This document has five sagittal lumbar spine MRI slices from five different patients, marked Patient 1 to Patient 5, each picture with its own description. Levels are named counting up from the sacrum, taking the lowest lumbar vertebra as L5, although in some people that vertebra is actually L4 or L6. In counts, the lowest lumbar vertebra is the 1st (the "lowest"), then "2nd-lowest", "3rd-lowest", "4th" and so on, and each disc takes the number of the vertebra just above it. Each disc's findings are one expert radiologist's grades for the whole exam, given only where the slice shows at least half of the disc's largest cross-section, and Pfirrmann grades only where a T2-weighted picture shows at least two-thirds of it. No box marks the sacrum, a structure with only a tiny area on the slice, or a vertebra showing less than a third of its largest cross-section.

Patient 1 of 5:
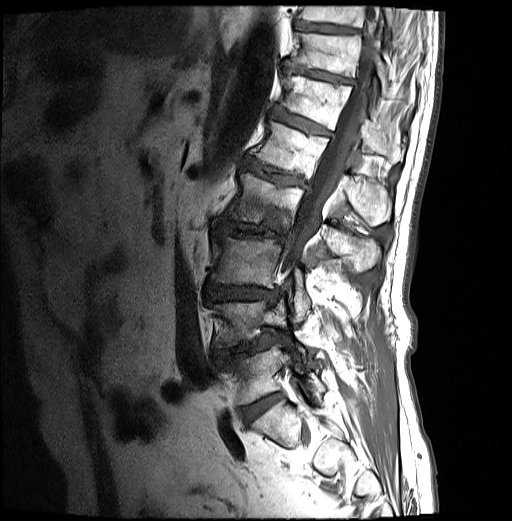 Sagittal T1-weighted lumbar spine MRI. Field of view 300x305 mm, slice spacing 3.2 mm. Slice 12 of 30.
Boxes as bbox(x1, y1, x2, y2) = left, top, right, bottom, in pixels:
Structures:
• T12 vertebra: bbox(281, 72, 404, 162)
• L2/L3: bbox(217, 219, 288, 243)
• L4: bbox(215, 300, 286, 347)
• T10/T11: bbox(295, 21, 358, 33)
• T10: bbox(298, 6, 397, 37)
• IVD L1/L2: bbox(242, 158, 306, 185)
• T11: bbox(290, 33, 390, 97)
• L4/L5: bbox(218, 339, 269, 360)
• L1 vertebra: bbox(249, 121, 391, 225)
• T12/L1: bbox(271, 108, 331, 135)
• L3 vertebra: bbox(210, 231, 310, 323)
• L2 vertebra: bbox(225, 173, 380, 270)
• IVD L5/S1: bbox(243, 393, 281, 421)
• L3/L4: bbox(207, 282, 277, 300)
• IVD T11/T12: bbox(282, 61, 354, 84)
• thecal sac / spinal canal: bbox(283, 6, 378, 270)
• L5 vertebra: bbox(225, 342, 325, 404)

Per-level radiological findings:
• T12/L1: lower-endplate change, disc bulging, Modic type II, upper-endplate change
• L1/L2: lower-endplate change, Modic type II, upper-endplate change, disc bulging
• L3/L4: disc bulging, lower-endplate change, upper-endplate change
• L2/L3: upper-endplate change, disc bulging, disc narrowing, Modic type I, lower-endplate change
• T11/T12: lower-endplate change, disc bulging, upper-endplate change
• T10/T11: no herniation, bulging, narrowing, spondylolisthesis, endplate or Modic change recorded

Patient 2 of 5:
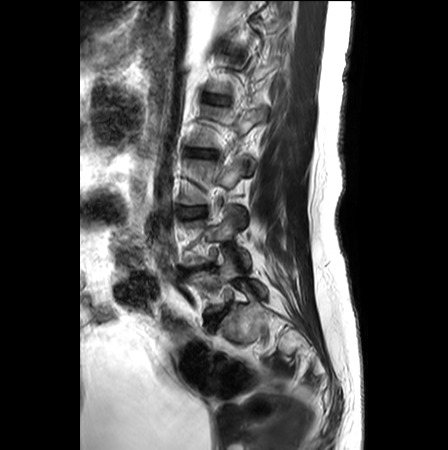 Sagittal T2-weighted lumbar spine MRI. Sagittal slice index 7. Field of view 280x281 mm, slice spacing 3.3 mm.
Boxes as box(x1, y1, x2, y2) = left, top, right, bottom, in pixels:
L5 (lowest vertebra) = box(189, 254, 266, 312).
L1/L2 (5th disc) = box(205, 95, 227, 104).
Intervertebral disc L5/S1 (lowest disc) = box(208, 305, 229, 325).
Intervertebral disc L3/L4 (3rd-lowest disc) = box(181, 207, 204, 217).
L2/L3 (4th disc) = box(189, 149, 214, 156).

Patient 3 of 5:
Slice 11 of 27, Sagittal T1-weighted lumbar spine MRI
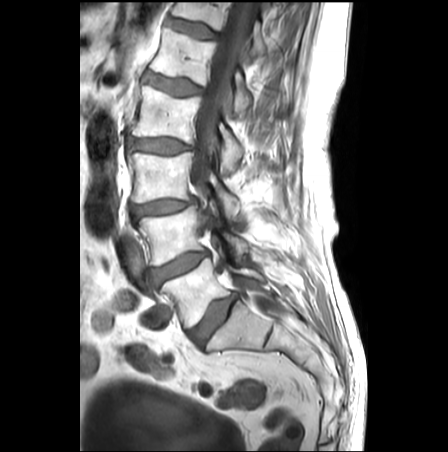

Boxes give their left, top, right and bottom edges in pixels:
Disc T12/L1 at left=166, top=18, right=216, bottom=38; L2 vertebra at left=133, top=86, right=242, bottom=171; L5 at left=163, top=240, right=266, bottom=326; thecal sac / spinal canal at left=189, top=2, right=271, bottom=313; disc L3/L4 at left=132, top=198, right=197, bottom=217; disc L5/S1 at left=191, top=294, right=237, bottom=345; disc L1/L2 at left=143, top=70, right=201, bottom=95; L1 at left=150, top=28, right=250, bottom=110; L4 vertebra at left=136, top=207, right=247, bottom=265; disc L4/L5 at left=153, top=252, right=208, bottom=285; disc L2/L3 at left=127, top=138, right=194, bottom=154; T12 at left=172, top=2, right=266, bottom=56; L3 vertebra at left=128, top=146, right=241, bottom=217.

Degenerative findings by level:
• L5/S1: disc bulging
• L1/L2: upper-endplate change, disc bulging, Modic type II, lower-endplate change
• L3/L4: disc bulging, disc narrowing
• L2/L3: disc bulging
• L4/L5: disc bulging
• T12/L1: no herniation, bulging, narrowing, spondylolisthesis, endplate or Modic change recorded

Patient 4 of 5:
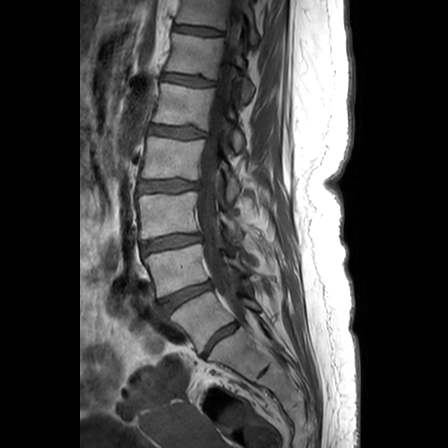 Slice 15 of 24. Lumbar spine MR, T1-weighted, sagittal.

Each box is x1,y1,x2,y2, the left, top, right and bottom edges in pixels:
T11/T12 — 174,25,223,36.
Thecal sac / spinal canal — 196,11,247,317.
L5 vertebra — 171,292,260,352.
L5/S1 — 204,321,238,357.
T11 — 176,0,258,45.
T12 — 166,32,254,102.
L4/L5 — 161,283,210,313.
L3 vertebra — 138,192,242,238.
L4 — 145,244,252,296.
L2/L3 — 139,180,198,192.
IVD L1/L2 — 150,125,205,138.
T12/L1 — 163,73,214,85.
L2 vertebra — 142,136,241,201.
L1 vertebra — 153,83,244,150.
IVD L3/L4 — 141,234,200,253.

Per-level radiological findings:
- L1/L2: upper-endplate change, lower-endplate change, disc bulging
- L2/L3: lower-endplate change, disc bulging, upper-endplate change
- T12/L1: lower-endplate change, upper-endplate change
- L4/L5: disc bulging, disc narrowing
- L3/L4: lower-endplate change, disc bulging, upper-endplate change
- T11/T12: lower-endplate change, upper-endplate change
- L5/S1: no herniation, bulging, narrowing, spondylolisthesis, endplate or Modic change recorded

Patient 5 of 5:
Sex M | 512x640 px | Field of view 240x300 mm, slice spacing 0.9 mm | Slice 64/120 | Lumbar spine MR, T2 SPACE (3D), sagittal

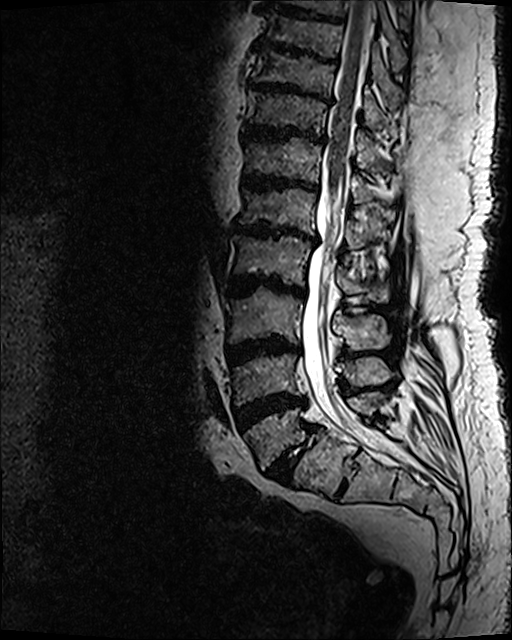

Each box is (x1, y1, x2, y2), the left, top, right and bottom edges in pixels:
6th disc at (241, 173, 318, 191), lowest vertebra at (243, 390, 386, 469), 9th disc at (255, 44, 336, 61), 8th vertebra at (250, 48, 385, 127), 3rd-lowest vertebra at (222, 287, 391, 351), 7th vertebra at (245, 90, 389, 174), 4th disc at (229, 274, 305, 297), 2nd-lowest vertebra at (232, 354, 391, 404), 8th disc at (247, 80, 333, 105), spinal canal at (301, 1, 385, 452), 5th disc at (230, 221, 317, 243), 2nd-lowest disc at (232, 393, 306, 432), 7th disc at (242, 123, 326, 143), lowest disc at (266, 424, 317, 483), 6th vertebra at (243, 137, 375, 203), 5th vertebra at (236, 187, 364, 249), 4th vertebra at (232, 235, 392, 301), 3rd-lowest disc at (225, 336, 299, 365).

Degenerative findings by level:
  7th disc: Pfirrmann grade 5, Modic type II, upper-endplate change, disc narrowing, lower-endplate change, disc bulging
  4th disc: Pfirrmann grade 5, upper-endplate change, lower-endplate change, Modic type II, disc narrowing, disc bulging
  3rd-lowest disc: Pfirrmann grade 5, disc narrowing, lower-endplate change, Modic type II, upper-endplate change, disc bulging
  lowest disc: Pfirrmann grade 5, Modic type II, lower-endplate change, disc narrowing, spondylolisthesis, upper-endplate change, disc bulging
  6th disc: Pfirrmann grade 5, disc narrowing, lower-endplate change, upper-endplate change, disc bulging, Modic type II
  2nd-lowest disc: Pfirrmann grade 5, upper-endplate change, Modic type II, disc narrowing, disc bulging, lower-endplate change
  9th disc: Modic type II, disc narrowing, lower-endplate change, upper-endplate change, disc bulging
  8th disc: Modic type II, disc bulging, upper-endplate change, lower-endplate change, disc narrowing
  5th disc: Pfirrmann grade 5, disc bulging, upper-endplate change, Modic type II, disc narrowing, lower-endplate change